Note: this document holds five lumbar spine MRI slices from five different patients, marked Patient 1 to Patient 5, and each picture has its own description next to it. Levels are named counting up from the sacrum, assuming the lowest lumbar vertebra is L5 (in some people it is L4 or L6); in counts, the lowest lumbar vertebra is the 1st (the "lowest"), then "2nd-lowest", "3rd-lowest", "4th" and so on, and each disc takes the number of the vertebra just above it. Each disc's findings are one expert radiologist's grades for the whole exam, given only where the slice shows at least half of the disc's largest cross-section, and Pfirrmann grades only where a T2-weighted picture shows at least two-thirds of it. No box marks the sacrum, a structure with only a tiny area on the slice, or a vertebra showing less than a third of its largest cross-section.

Patient 1 of 5:
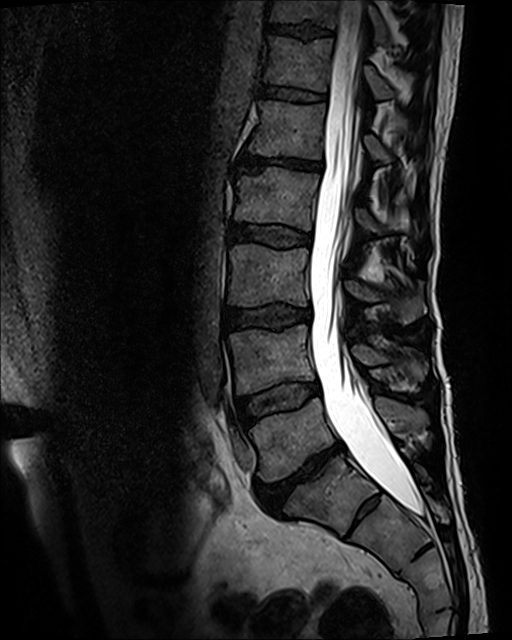
Sagittal slice index 56 | Sagittal T2 SPACE (3D) lumbar spine MRI | Sex M

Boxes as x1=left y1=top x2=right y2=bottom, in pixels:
Annotations:
* lowest vertebra = x1=249 y1=397 x2=427 y2=481
* 4th vertebra = x1=235 y1=167 x2=420 y2=235
* 7th disc = x1=270 y1=23 x2=331 y2=38
* lowest disc = x1=257 y1=442 x2=343 y2=510
* 6th vertebra = x1=264 y1=36 x2=394 y2=98
* 3rd-lowest vertebra = x1=227 y1=244 x2=426 y2=323
* spinal canal = x1=309 y1=0 x2=423 y2=516
* 5th vertebra = x1=248 y1=100 x2=392 y2=162
* 7th vertebra = x1=272 y1=0 x2=386 y2=43
* 2nd-lowest vertebra = x1=229 y1=324 x2=426 y2=394
* 4th disc = x1=229 y1=223 x2=311 y2=246
* 3rd-lowest disc = x1=227 y1=308 x2=310 y2=330
* 2nd-lowest disc = x1=241 y1=382 x2=318 y2=426
* 6th disc = x1=260 y1=82 x2=324 y2=101
* 5th disc = x1=237 y1=154 x2=320 y2=171

Degenerative findings by level:
  4th disc: Pfirrmann grade 3
  5th disc: Pfirrmann grade 5, Modic type II, upper-endplate change, disc narrowing, lower-endplate change, disc bulging
  3rd-lowest disc: Pfirrmann grade 3, upper-endplate change, lower-endplate change, disc bulging
  2nd-lowest disc: Pfirrmann grade 3, Modic type II
  7th disc: Pfirrmann grade 3, upper-endplate change, lower-endplate change
  lowest disc: Pfirrmann grade 5, upper-endplate change, disc narrowing, lower-endplate change, disc bulging, Modic type II
  6th disc: Pfirrmann grade 3

Patient 2 of 5:
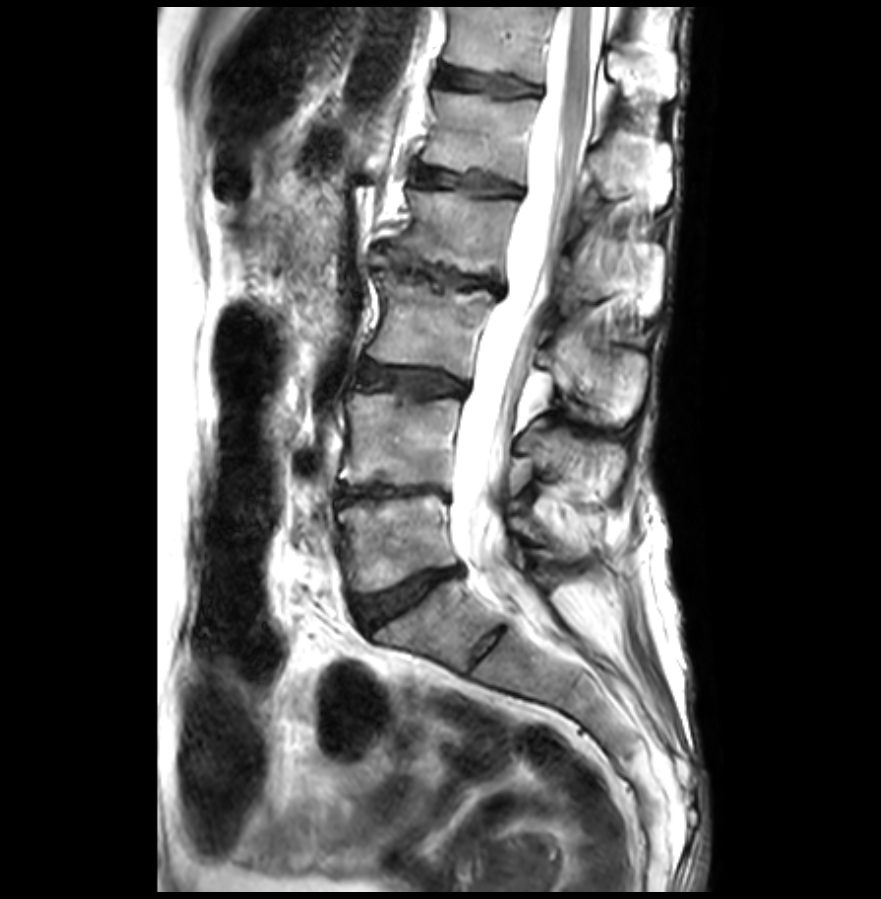

Sagittal slice index 15, Sagittal T2-weighted lumbar spine MRI
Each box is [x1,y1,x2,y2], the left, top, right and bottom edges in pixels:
Segmented structures:
- thecal sac / spinal canal: [452,7,605,598]
- IVD L5/S1: [356,569,459,626]
- L3/L4: [360,362,463,394]
- T12: [445,7,676,99]
- IVD T12/L1: [437,67,544,95]
- L2: [382,190,595,306]
- L1: [423,90,656,197]
- IVD L2/L3: [370,242,503,296]
- IVD L1/L2: [417,168,522,195]
- L4 vertebra: [340,393,624,485]
- L4/L5: [338,483,449,504]
- L5 vertebra: [338,491,544,590]
- L3: [368,270,646,416]

Radiological gradings:
• L4/L5: disc narrowing, Modic type II, disc bulging
• L1/L2: Pfirrmann grade 2, upper-endplate change, lower-endplate change, Modic type II
• L3/L4: Pfirrmann grade 3, Modic type II, disc bulging
• L2/L3: Pfirrmann grade 5, lower-endplate change, upper-endplate change, disc herniation, disc narrowing, Modic type II, disc bulging
• T12/L1: Pfirrmann grade 2, upper-endplate change, lower-endplate change
• L5/S1: Pfirrmann grade 3, upper-endplate change, disc bulging, disc narrowing, lower-endplate change

Patient 3 of 5:
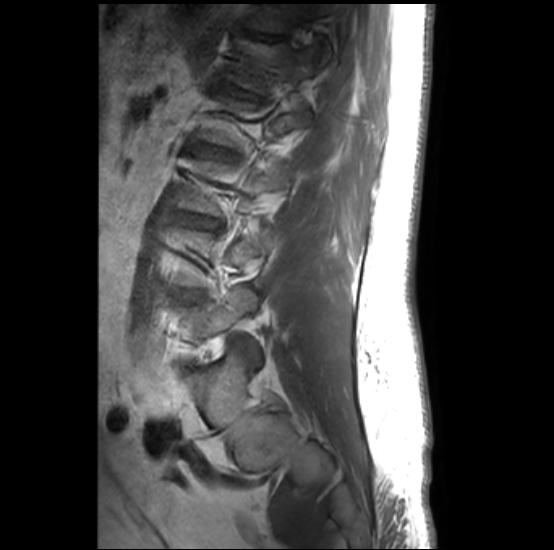 Slice 24 of 32. Sex M. Sagittal T1-weighted lumbar spine MRI. 554x550 px.

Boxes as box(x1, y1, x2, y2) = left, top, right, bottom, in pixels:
intervertebral disc L2/L3: box(188, 143, 236, 158)
L3/L4: box(181, 214, 223, 228)
T12 vertebra: box(245, 3, 331, 57)
intervertebral disc L4/L5: box(180, 293, 195, 302)
T12/L1: box(245, 30, 287, 41)
intervertebral disc L1/L2: box(224, 83, 252, 98)
L1: box(225, 37, 318, 91)
L5 vertebra: box(178, 287, 260, 361)

Patient 4 of 5:
Field of view 240x301 mm, slice spacing 0.9 mm | Sagittal T2 SPACE (3D) lumbar spine MRI | Slice 83/122

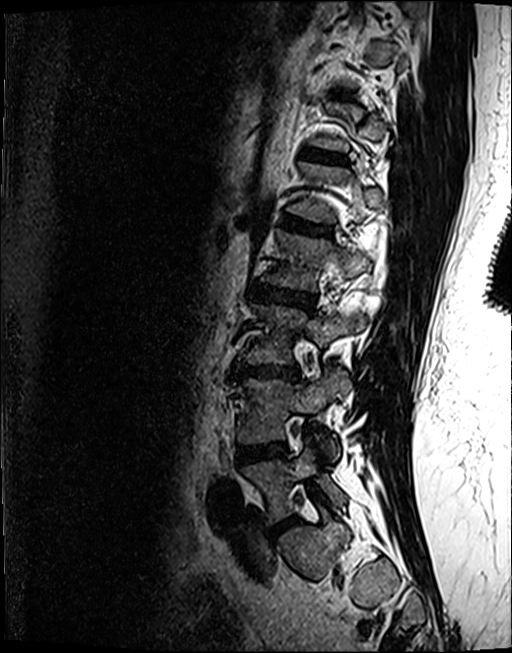

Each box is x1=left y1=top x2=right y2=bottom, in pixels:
Annotations:
• L3 at x1=242 y1=303 x2=363 y2=364
• L2 at x1=265 y1=229 x2=368 y2=290
• L4 at x1=238 y1=368 x2=350 y2=456
• L5/S1 at x1=268 y1=518 x2=294 y2=537
• L3/L4 at x1=235 y1=364 x2=299 y2=379
• T12/L1 at x1=308 y1=148 x2=342 y2=161
• IVD L1/L2 at x1=284 y1=216 x2=329 y2=234
• IVD L4/L5 at x1=238 y1=442 x2=285 y2=463
• L5 at x1=242 y1=435 x2=345 y2=523
• IVD L2/L3 at x1=253 y1=284 x2=313 y2=308

Radiological gradings:
  L2/L3: Pfirrmann grade 4, disc bulging, lower-endplate change, upper-endplate change
  L4/L5: Modic type II, disc bulging, lower-endplate change
  L3/L4: Pfirrmann grade 4, upper-endplate change, lower-endplate change, disc bulging, disc narrowing, Modic type II

Patient 5 of 5:
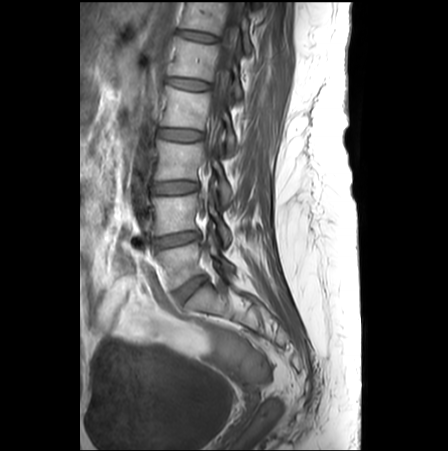
Sagittal T1-weighted lumbar spine MRI.
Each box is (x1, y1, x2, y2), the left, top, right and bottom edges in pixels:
L3/L4 (3rd-lowest disc): (151, 181, 197, 193).
L2 (4th vertebra): (161, 86, 234, 152).
L1 (5th vertebra): (167, 36, 243, 97).
T12 (6th vertebra): (181, 2, 251, 53).
L3 (3rd-lowest vertebra): (153, 140, 231, 203).
Thecal sac / spinal canal: (204, 0, 240, 157).
L1/L2 (5th disc): (168, 77, 208, 90).
Disc L5/S1 (lowest disc): (174, 275, 206, 301).
Disc T12/L1 (6th disc): (178, 30, 216, 42).
L4 (2nd-lowest vertebra): (151, 192, 230, 245).
L4/L5 (2nd-lowest disc): (154, 231, 200, 248).
Disc L2/L3 (4th disc): (159, 129, 201, 140).
L5 (lowest vertebra): (156, 233, 234, 287).

Per-level radiological findings:
• L1/L2 (5th disc): lower-endplate change, Modic type II, upper-endplate change
• L4/L5 (2nd-lowest disc): disc narrowing
• L5/S1 (lowest disc), L3/L4 (3rd-lowest disc), L2/L3 (4th disc), T12/L1 (6th disc): no herniation, bulging, narrowing, spondylolisthesis, endplate or Modic change recorded